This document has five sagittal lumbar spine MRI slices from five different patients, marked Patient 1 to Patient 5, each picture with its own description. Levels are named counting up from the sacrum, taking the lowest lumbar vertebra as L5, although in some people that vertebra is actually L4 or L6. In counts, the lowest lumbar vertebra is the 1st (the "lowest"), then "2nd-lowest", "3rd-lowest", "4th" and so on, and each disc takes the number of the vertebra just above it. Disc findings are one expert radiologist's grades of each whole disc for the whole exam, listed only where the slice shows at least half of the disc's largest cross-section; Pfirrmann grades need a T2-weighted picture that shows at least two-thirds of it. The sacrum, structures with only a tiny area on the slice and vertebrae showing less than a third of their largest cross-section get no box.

Patient 1 of 5:
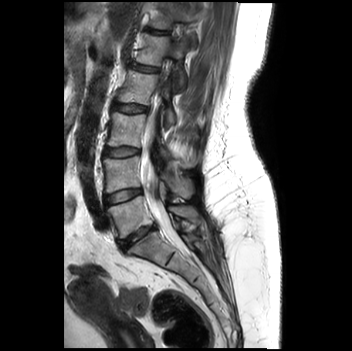 Lumbar spine MR, T2-weighted, sagittal, Slice spacing 3.2 mm, Sex F
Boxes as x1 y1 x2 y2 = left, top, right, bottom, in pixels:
T12 at 149 2 202 47, IVD L2/L3 at 112 102 148 112, L3 at 107 112 199 167, L3/L4 at 104 147 139 157, L5/S1 at 118 224 155 249, thecal sac / spinal canal at 142 89 184 248, L1/L2 at 129 62 159 72, L2 vertebra at 117 70 174 127, L4/L5 at 104 188 142 205, L1 at 135 33 186 89, T12/L1 at 146 28 168 34, L5 vertebra at 107 196 198 238, L4 at 103 156 194 198.

Radiological gradings:
- L2/L3: Pfirrmann grade 1
- L5/S1: Pfirrmann grade 4, disc narrowing, lower-endplate change, Modic type II, upper-endplate change
- L3/L4: Pfirrmann grade 1
- L1/L2: Pfirrmann grade 1
- L4/L5: Pfirrmann grade 2
- T12/L1: no Modic or endplate change, herniation, narrowing, bulging or spondylolisthesis recorded

Patient 2 of 5:
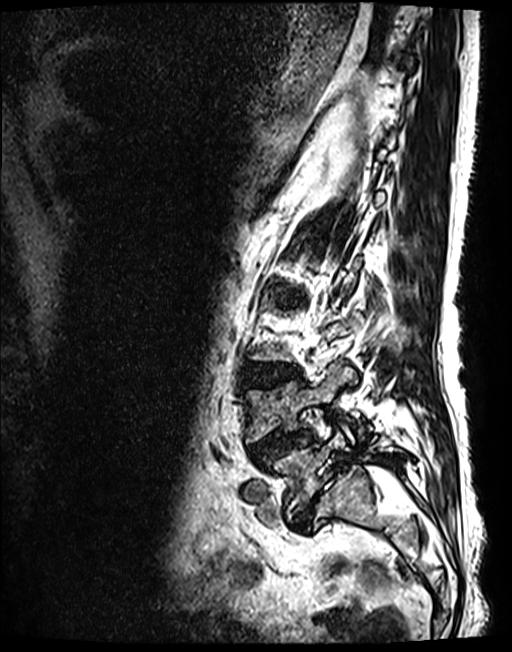 Sagittal slice index 96, Sagittal T2 SPACE (3D) lumbar spine MRI

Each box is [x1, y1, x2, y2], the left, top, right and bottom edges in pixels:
Structures:
- L5/S1 (lowest disc): [292, 476, 334, 531]
- IVD L3/L4 (3rd-lowest disc): [245, 364, 297, 387]
- L4/L5 (2nd-lowest disc): [251, 430, 313, 461]
- L5 (lowest vertebra): [269, 429, 410, 520]
- L4 (2nd-lowest vertebra): [247, 368, 357, 441]

Radiological gradings:
  L5/S1 (lowest disc): spondylolisthesis, Modic type II, disc herniation, disc narrowing
  L4/L5 (2nd-lowest disc): disc herniation, spondylolisthesis, disc narrowing, lower-endplate change, upper-endplate change
  L3/L4 (3rd-lowest disc): disc bulging, upper-endplate change, lower-endplate change

Patient 3 of 5:
Sagittal slice index 0, T1-weighted sagittal MRI of the lumbar spine
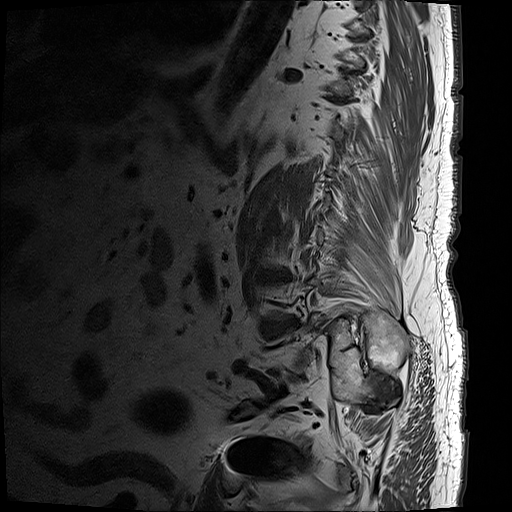

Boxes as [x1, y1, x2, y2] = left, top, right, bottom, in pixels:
Disc L3/L4 — [259, 270, 290, 280].
T10/T11 — [281, 68, 299, 79].
Disc L4/L5 — [260, 317, 299, 339].

Patient 4 of 5:
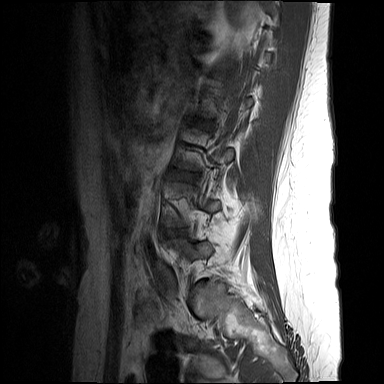 MRI lumbar spine (T1-weighted), sagittal plane. 384x384 px.

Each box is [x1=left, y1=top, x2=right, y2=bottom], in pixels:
Segmented structures:
• disc L3/L4 (3rd-lowest disc): [x1=177, y1=173, x2=194, y2=180]
• disc L4/L5 (2nd-lowest disc): [x1=168, y1=229, x2=186, y2=235]

Patient 5 of 5:
MRI lumbar spine (T2-weighted), sagittal plane. Image 1092x1095. Patient sex: F. 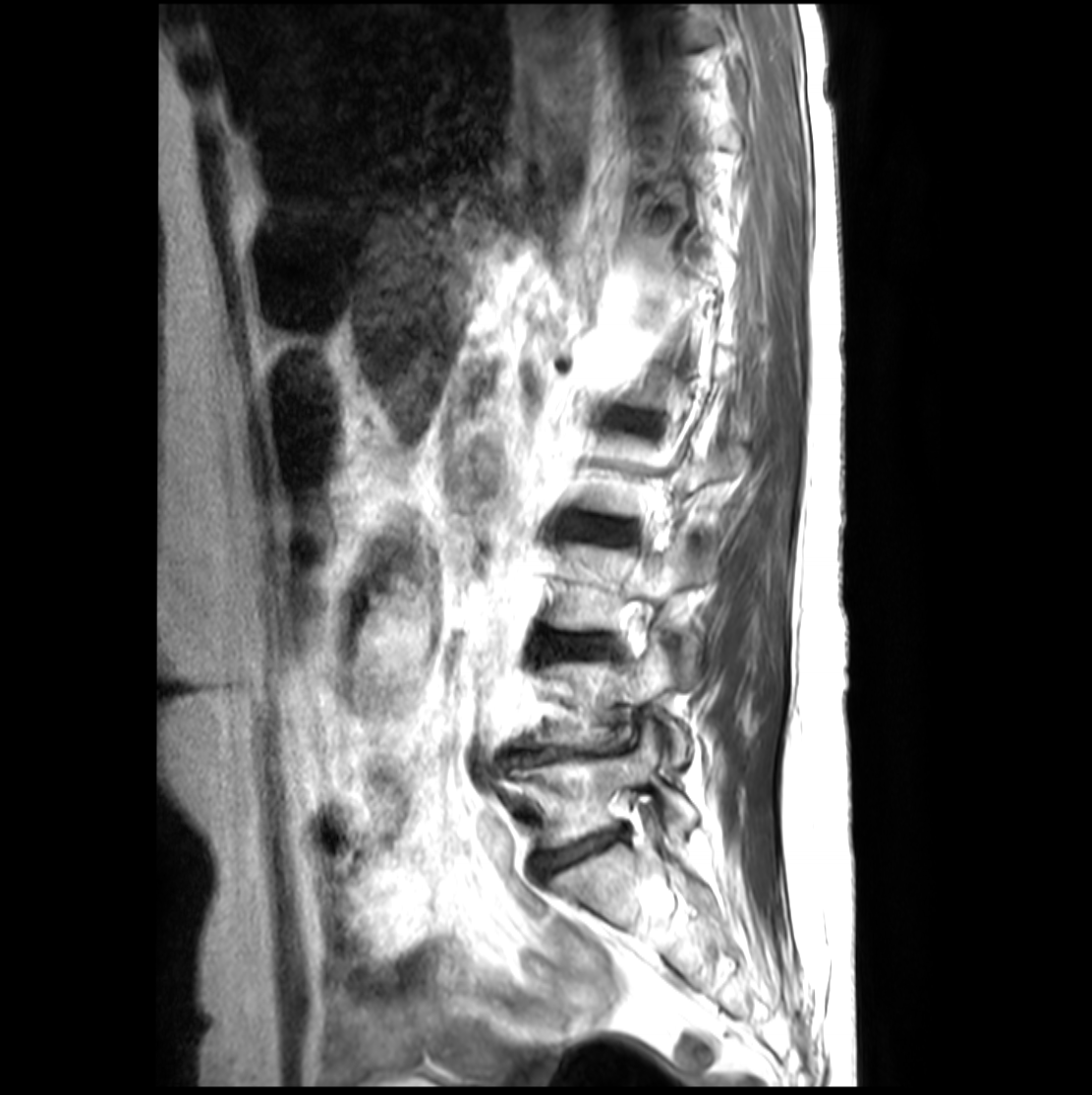
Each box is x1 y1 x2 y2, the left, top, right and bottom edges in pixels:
L5 (lowest vertebra): 511 721 697 847
L4/L5 (2nd-lowest disc): 511 747 606 762
L4 (2nd-lowest vertebra): 525 646 691 766
disc L5/S1 (lowest disc): 535 831 623 873
L2/L3 (4th disc): 567 517 633 542
disc L3/L4 (3rd-lowest disc): 539 636 611 657
L3 (3rd-lowest vertebra): 547 541 718 664

Per-level radiological findings:
• L3/L4 (3rd-lowest disc): upper-endplate change, lower-endplate change
• L5/S1 (lowest disc): disc bulging, disc narrowing
• L2/L3 (4th disc): lower-endplate change, upper-endplate change